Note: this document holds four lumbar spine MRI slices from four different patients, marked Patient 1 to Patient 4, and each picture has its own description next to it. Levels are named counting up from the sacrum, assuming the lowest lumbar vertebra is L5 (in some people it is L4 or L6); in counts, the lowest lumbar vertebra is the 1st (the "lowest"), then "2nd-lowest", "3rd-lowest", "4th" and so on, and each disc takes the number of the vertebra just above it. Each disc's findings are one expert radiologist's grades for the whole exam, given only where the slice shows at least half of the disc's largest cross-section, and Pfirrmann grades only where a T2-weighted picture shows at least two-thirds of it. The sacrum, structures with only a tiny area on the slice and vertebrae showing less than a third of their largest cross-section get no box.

Patient 1 of 4:
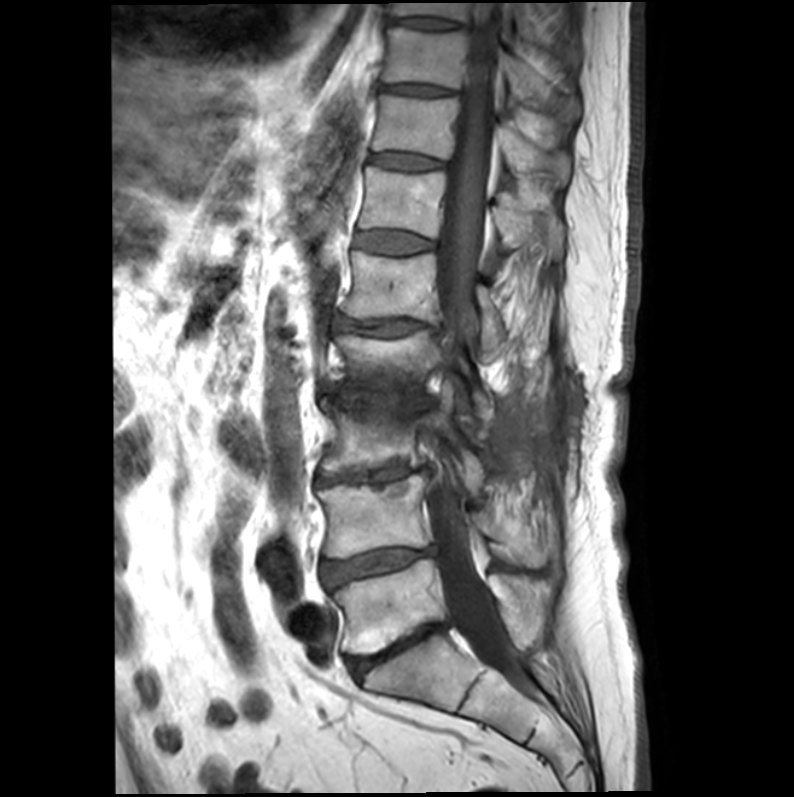 T1-weighted sagittal MRI of the lumbar spine
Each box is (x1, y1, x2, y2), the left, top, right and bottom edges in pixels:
L1/L2 at (336, 317, 423, 336), L3 vertebra at (320, 399, 484, 493), T12 vertebra at (358, 165, 564, 259), disc T11/T12 at (369, 153, 446, 169), disc L5/S1 at (348, 624, 444, 676), L5 at (332, 559, 547, 654), T12/L1 at (355, 230, 434, 254), disc T10/T11 at (378, 85, 450, 95), L1 vertebra at (342, 251, 504, 352), L2/L3 at (332, 394, 431, 411), L3/L4 at (315, 466, 427, 487), thecal sac / spinal canal at (427, 3, 523, 688), disc L4/L5 at (320, 546, 435, 587), L4 vertebra at (317, 473, 539, 566), T9 vertebra at (387, 3, 551, 42), T11 vertebra at (371, 94, 570, 185), disc T9/T10 at (390, 18, 460, 30), T10 at (380, 27, 576, 120), L2 at (332, 331, 493, 419).

Expert MSK radiologist gradings (per disc):
  L2/L3: upper-endplate change, Modic type II, disc narrowing, disc bulging, lower-endplate change
  L1/L2: Modic type II, disc narrowing, lower-endplate change, disc bulging, upper-endplate change
  L5/S1: disc narrowing, Modic type II, lower-endplate change, disc bulging, upper-endplate change
  L3/L4: disc bulging, lower-endplate change, upper-endplate change, Modic type II, disc narrowing
  L4/L5: Modic type II, disc narrowing, upper-endplate change, disc bulging, lower-endplate change
  T10/T11, T11/T12, T12/L1, T9/T10: no Modic or endplate change, herniation, narrowing, bulging or spondylolisthesis recorded

Patient 2 of 4:
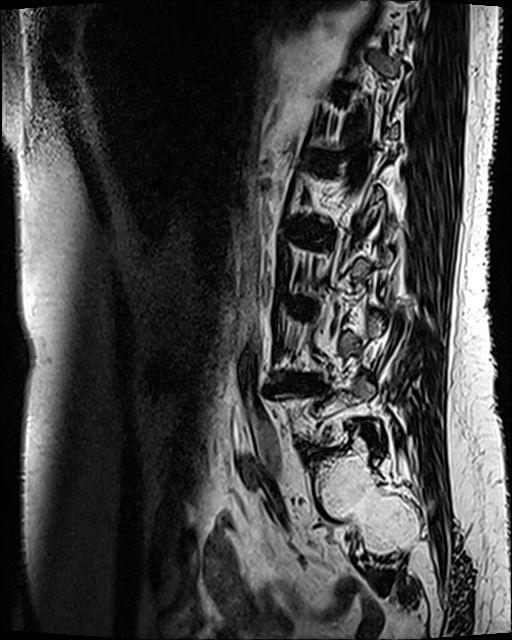 Sagittal T2 SPACE (3D) lumbar spine MRI | Sagittal slice index 93 | 512x640 px | Sex F

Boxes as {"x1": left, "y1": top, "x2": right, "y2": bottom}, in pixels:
5th disc at {"x1": 308, "y1": 154, "x2": 332, "y2": 166}.
4th disc at {"x1": 297, "y1": 226, "x2": 327, "y2": 237}.
3rd-lowest disc at {"x1": 292, "y1": 302, "x2": 311, "y2": 312}.

Patient 3 of 4:
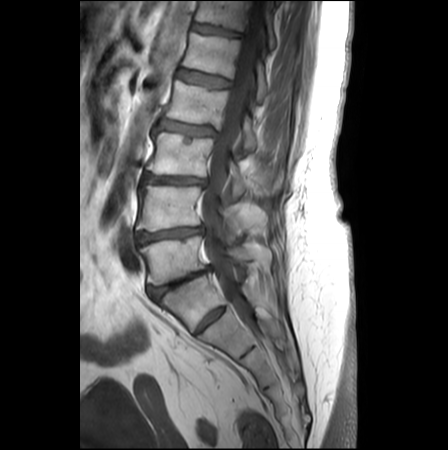 Sex F | Sagittal T1-weighted lumbar spine MRI
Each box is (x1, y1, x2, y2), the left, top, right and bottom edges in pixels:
* L5: (140, 235, 272, 284)
* intervertebral disc L2/L3: (156, 119, 216, 136)
* L3/L4: (143, 173, 204, 185)
* L2 vertebra: (166, 80, 257, 152)
* L1: (182, 32, 269, 102)
* L3: (146, 131, 282, 199)
* T12/L1: (192, 23, 239, 36)
* intervertebral disc L1/L2: (179, 69, 230, 87)
* T12: (195, 1, 275, 48)
* intervertebral disc L4/L5: (136, 226, 202, 244)
* L4 vertebra: (137, 186, 248, 235)
* intervertebral disc L5/S1: (148, 265, 211, 299)
* thecal sac / spinal canal: (202, 5, 261, 319)

Per-level radiological findings:
- L2/L3: disc narrowing, disc bulging, Modic type II, upper-endplate change, lower-endplate change
- L3/L4: lower-endplate change, upper-endplate change, Modic type II, disc narrowing, disc bulging
- T12/L1: lower-endplate change
- L4/L5: upper-endplate change, lower-endplate change, disc bulging, Modic type II, disc narrowing
- L5/S1: disc narrowing, lower-endplate change, disc bulging, upper-endplate change, Modic type II
- L1/L2: no herniation, bulging, narrowing, spondylolisthesis, endplate or Modic change recorded

Patient 4 of 4:
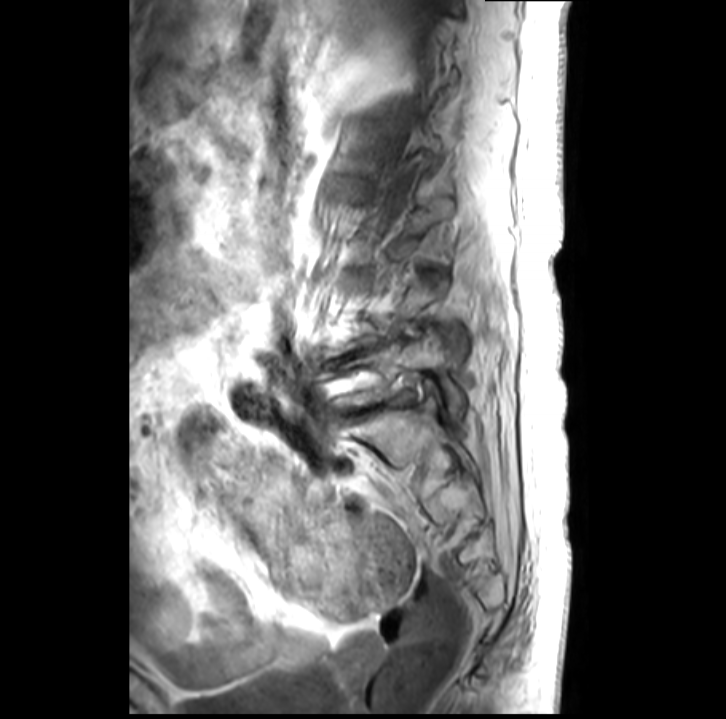 MRI lumbar spine (T1-weighted), sagittal plane | 726x719 px

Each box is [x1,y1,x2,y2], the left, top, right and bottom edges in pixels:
Structures:
• lowest vertebra = [337,330,464,418]
• 2nd-lowest disc = [351,341,383,354]
• lowest disc = [357,393,410,413]